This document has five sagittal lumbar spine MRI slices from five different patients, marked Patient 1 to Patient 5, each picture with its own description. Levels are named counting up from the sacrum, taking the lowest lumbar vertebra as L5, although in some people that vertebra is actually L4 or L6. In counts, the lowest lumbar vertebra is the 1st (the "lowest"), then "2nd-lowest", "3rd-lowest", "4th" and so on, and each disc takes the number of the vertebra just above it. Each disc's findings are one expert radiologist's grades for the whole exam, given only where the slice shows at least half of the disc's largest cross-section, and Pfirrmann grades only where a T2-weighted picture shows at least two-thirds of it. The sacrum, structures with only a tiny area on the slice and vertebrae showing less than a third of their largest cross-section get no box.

Patient 1 of 5:
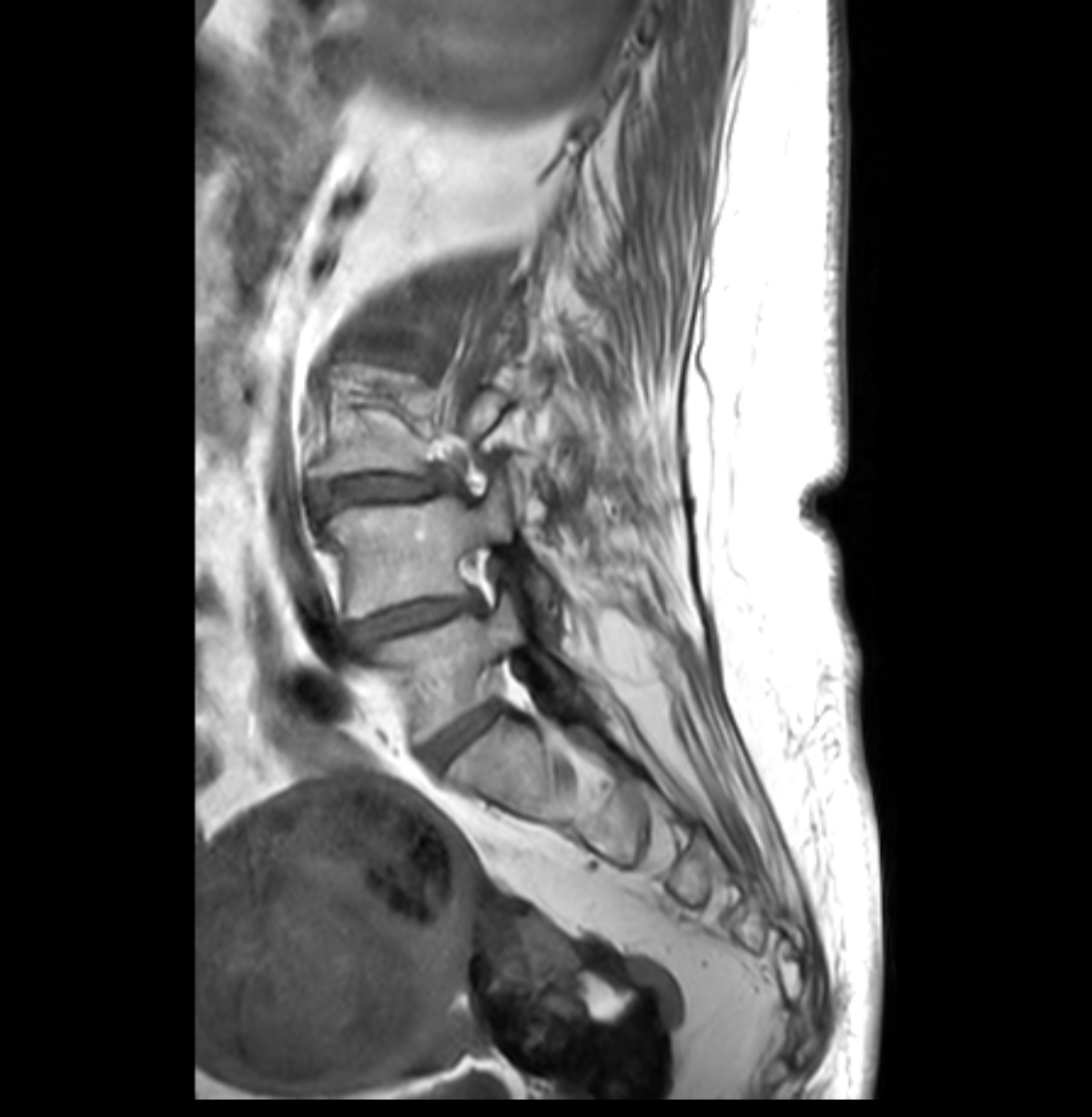 Image 1092x1117, MRI lumbar spine (T1-weighted), sagittal plane, Sagittal slice index 10
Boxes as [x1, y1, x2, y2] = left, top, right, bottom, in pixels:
2nd-lowest vertebra: [319, 497, 555, 618] | lowest vertebra: [368, 592, 560, 741] | 2nd-lowest disc: [349, 595, 477, 644] | lowest disc: [424, 703, 501, 767] | 3rd-lowest disc: [315, 473, 447, 510]

Degenerative findings by level:
- 3rd-lowest disc: disc narrowing, disc bulging, spondylolisthesis
- 2nd-lowest disc: disc bulging, disc narrowing

Patient 2 of 5:
Slice spacing 3.3 mm. T2-weighted sagittal MRI of the lumbar spine. Patient sex: M. SIEMENS Avanto_fit (1.5T).
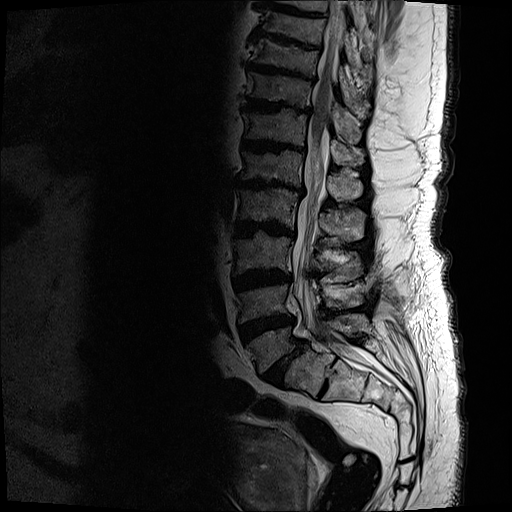 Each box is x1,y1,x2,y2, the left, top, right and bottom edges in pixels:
IVD L2/L3 (4th disc) = 236,220,294,237.
IVD T9/T10 (9th disc) = 249,35,322,49.
Spinal canal = 292,1,371,366.
L5/S1 (lowest disc) = 262,341,303,386.
L1/L2 (5th disc) = 239,179,306,196.
T10 (8th vertebra) = 253,38,361,113.
IVD L3/L4 (3rd-lowest disc) = 234,269,290,291.
L4 (2nd-lowest vertebra) = 239,285,363,322.
L3 (3rd-lowest vertebra) = 235,232,364,276.
L5 (lowest vertebra) = 247,313,368,373.
T11 (7th vertebra) = 248,71,362,141.
T10/T11 (8th disc) = 249,62,317,82.
L1 (5th vertebra) = 241,150,365,202.
T12 (6th vertebra) = 243,108,366,165.
L4/L5 (2nd-lowest disc) = 237,315,296,343.
L2 (4th vertebra) = 239,187,368,241.
T11/T12 (7th disc) = 243,97,313,113.
T12/L1 (6th disc) = 243,139,306,153.

Degenerative findings by level:
- L4/L5 (2nd-lowest disc): Pfirrmann grade 5, disc bulging, Modic type II, disc narrowing, lower-endplate change, upper-endplate change
- L2/L3 (4th disc): Pfirrmann grade 5, Modic type II, disc bulging, upper-endplate change, disc narrowing, lower-endplate change
- T11/T12 (7th disc): Pfirrmann grade 5, lower-endplate change, disc narrowing, upper-endplate change, disc bulging, Modic type II
- T12/L1 (6th disc): Pfirrmann grade 5, Modic type II, disc narrowing, upper-endplate change, lower-endplate change, disc bulging
- L1/L2 (5th disc): lower-endplate change, Modic type II, disc bulging, upper-endplate change, disc narrowing
- L3/L4 (3rd-lowest disc): Pfirrmann grade 5, disc bulging, Modic type II, upper-endplate change, disc narrowing, lower-endplate change
- T10/T11 (8th disc): Modic type II, upper-endplate change, disc narrowing, lower-endplate change, disc bulging
- T9/T10 (9th disc): Pfirrmann grade 5, upper-endplate change, Modic type II, disc bulging, disc narrowing, lower-endplate change
- L5/S1 (lowest disc): Pfirrmann grade 5, spondylolisthesis, Modic type II, disc narrowing, disc bulging, upper-endplate change, lower-endplate change

Patient 3 of 5:
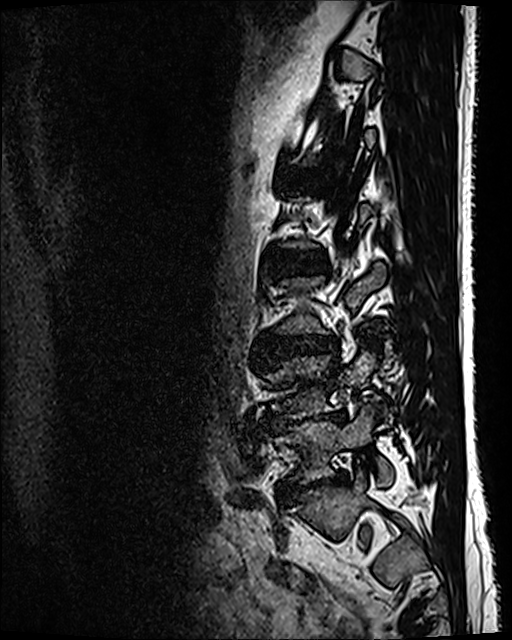
MRI lumbar spine (T2 SPACE (3D)), sagittal plane | Image 512x640
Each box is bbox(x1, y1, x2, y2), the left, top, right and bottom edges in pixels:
Annotations:
- IVD L4/L5 = bbox(271, 412, 343, 426)
- IVD L3/L4 = bbox(266, 335, 333, 353)
- L4 vertebra = bbox(268, 351, 380, 417)
- L2/L3 = bbox(278, 255, 327, 272)
- L5 vertebra = bbox(267, 404, 392, 484)
- L5/S1 = bbox(281, 473, 346, 499)

Expert MSK radiologist gradings (per disc):
  L3/L4: Pfirrmann grade 3, disc narrowing, disc bulging

Patient 4 of 5:
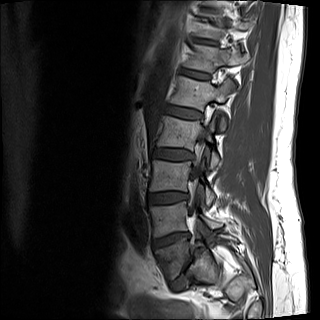 T1-weighted sagittal MRI of the lumbar spine | Slice 5 of 15 | Field of view 280x280 mm

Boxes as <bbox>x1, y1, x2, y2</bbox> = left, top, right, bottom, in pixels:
L1 vertebra: <bbox>171, 76, 234, 130</bbox>.
L5: <bbox>155, 232, 236, 281</bbox>.
L1/L2: <bbox>165, 105, 200, 118</bbox>.
L2/L3: <bbox>152, 148, 193, 160</bbox>.
L5/S1: <bbox>172, 248, 205, 290</bbox>.
T12: <bbox>186, 45, 249, 72</bbox>.
L4 vertebra: <bbox>149, 201, 221, 237</bbox>.
L4/L5: <bbox>152, 232, 187, 249</bbox>.
Spinal canal: <bbox>191, 172, 200, 188</bbox>.
L3/L4: <bbox>148, 191, 188, 205</bbox>.
Disc T11/T12: <bbox>196, 38, 213, 44</bbox>.
Disc T12/L1: <bbox>181, 69, 209, 79</bbox>.
L3 vertebra: <bbox>149, 160, 215, 206</bbox>.
L2: <bbox>157, 115, 219, 168</bbox>.

Degenerative findings by level:
- L2/L3: disc bulging
- L5/S1: disc narrowing, Modic type II, lower-endplate change, disc bulging, spondylolisthesis, upper-endplate change
- L1/L2: disc bulging
- L3/L4: disc bulging
- L4/L5: disc herniation, lower-endplate change, disc narrowing, upper-endplate change, Modic type II
- T12/L1: no herniation, bulging, narrowing, spondylolisthesis, endplate or Modic change recorded

Patient 5 of 5:
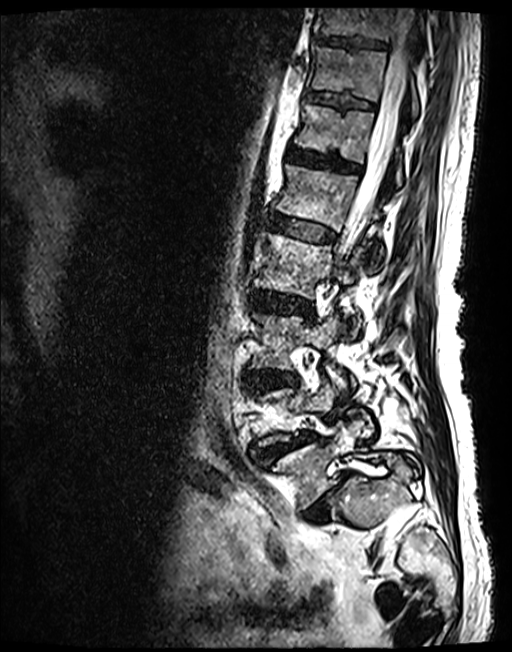
Sagittal T2 SPACE (3D) lumbar spine MRI, Slice 53/143, Field of view 240x306 mm
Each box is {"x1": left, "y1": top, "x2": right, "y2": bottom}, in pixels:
2nd-lowest disc: {"x1": 257, "y1": 432, "x2": 314, "y2": 460}
3rd-lowest vertebra: {"x1": 248, "y1": 313, "x2": 346, "y2": 390}
5th disc: {"x1": 269, "y1": 215, "x2": 334, "y2": 241}
7th vertebra: {"x1": 310, "y1": 47, "x2": 419, "y2": 118}
6th vertebra: {"x1": 294, "y1": 104, "x2": 404, "y2": 186}
3rd-lowest disc: {"x1": 246, "y1": 371, "x2": 298, "y2": 390}
5th vertebra: {"x1": 275, "y1": 165, "x2": 381, "y2": 267}
lowest disc: {"x1": 302, "y1": 470, "x2": 349, "y2": 521}
spinal canal: {"x1": 332, "y1": 8, "x2": 418, "y2": 283}
8th vertebra: {"x1": 315, "y1": 8, "x2": 423, "y2": 40}
lowest vertebra: {"x1": 262, "y1": 421, "x2": 419, "y2": 508}
8th disc: {"x1": 314, "y1": 34, "x2": 385, "y2": 48}
4th disc: {"x1": 247, "y1": 291, "x2": 312, "y2": 313}
7th disc: {"x1": 306, "y1": 91, "x2": 373, "y2": 108}
4th vertebra: {"x1": 254, "y1": 232, "x2": 363, "y2": 338}
6th disc: {"x1": 287, "y1": 147, "x2": 359, "y2": 173}

Per-level radiological findings:
- 4th disc: Pfirrmann grade 3, disc bulging
- 6th disc: Pfirrmann grade 3
- 5th disc: Pfirrmann grade 3
- 8th disc: Pfirrmann grade 3
- 7th disc: Pfirrmann grade 3